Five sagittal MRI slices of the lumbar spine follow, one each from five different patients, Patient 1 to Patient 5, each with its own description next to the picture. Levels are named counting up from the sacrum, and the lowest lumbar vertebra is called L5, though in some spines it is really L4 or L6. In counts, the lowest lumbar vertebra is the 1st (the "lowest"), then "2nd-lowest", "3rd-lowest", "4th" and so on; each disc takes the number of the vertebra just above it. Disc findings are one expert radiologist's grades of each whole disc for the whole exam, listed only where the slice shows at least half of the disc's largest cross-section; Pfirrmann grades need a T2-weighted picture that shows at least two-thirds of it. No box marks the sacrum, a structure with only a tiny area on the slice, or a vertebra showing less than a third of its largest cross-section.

Patient 1 of 5:
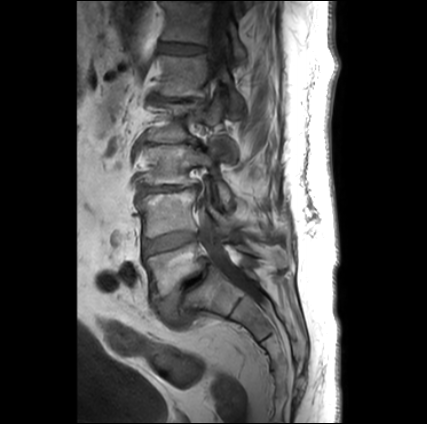 Slice 18/30 | Image 427x424 | MRI lumbar spine (T1-weighted), sagittal plane

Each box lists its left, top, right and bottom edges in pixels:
L3 = left=143, top=144, right=230, bottom=206 | IVD L1/L2 = left=153, top=95, right=204, bottom=101 | T12 vertebra = left=160, top=1, right=245, bottom=61 | L1 vertebra = left=155, top=54, right=243, bottom=112 | L4 vertebra = left=136, top=189, right=270, bottom=238 | L3/L4 = left=140, top=185, right=201, bottom=193 | thecal sac / spinal canal = left=199, top=0, right=266, bottom=305 | L4/L5 = left=143, top=232, right=197, bottom=254 | T12/L1 = left=160, top=43, right=207, bottom=52 | L5 vertebra = left=144, top=243, right=289, bottom=298 | L5/S1 = left=156, top=258, right=209, bottom=317 | L2 vertebra = left=147, top=98, right=236, bottom=153

Per-level radiological findings:
- L1/L2: lower-endplate change, disc herniation, upper-endplate change, disc bulging, disc narrowing, Modic type II
- L5/S1: spondylolisthesis, lower-endplate change, Modic type II, disc narrowing, upper-endplate change, disc bulging
- L4/L5: Modic type II
- L3/L4: lower-endplate change, upper-endplate change, Modic type II, disc narrowing, disc bulging
- T12/L1: no Modic or endplate change, herniation, narrowing, bulging or spondylolisthesis recorded

Patient 2 of 5:
Sagittal T2 SPACE (3D) lumbar spine MRI; Slice 101 of 144 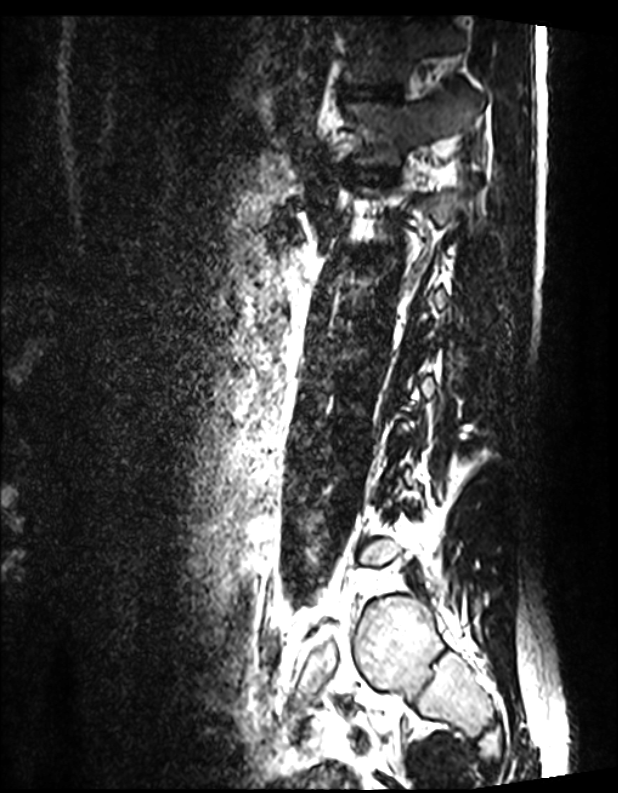
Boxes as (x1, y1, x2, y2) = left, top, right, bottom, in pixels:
{"intervertebral disc T12/L1": "(339, 167, 395, 181)", "T12": "(346, 91, 476, 164)", "T11": "(340, 17, 470, 84)", "intervertebral disc T11/T12": "(340, 86, 401, 100)"}

Radiological gradings:
• T11/T12: Pfirrmann grade 1

Patient 3 of 5:
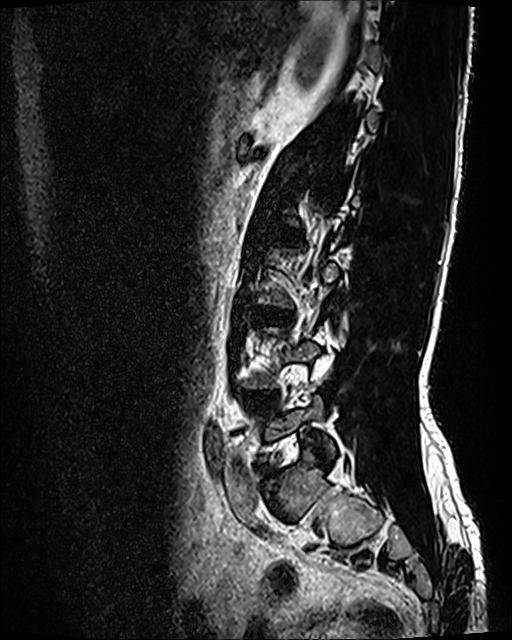 Patient sex: M. Sagittal T2 SPACE (3D) lumbar spine MRI.

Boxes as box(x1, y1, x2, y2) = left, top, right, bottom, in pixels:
* 3rd-lowest disc — box(257, 309, 288, 323)
* 2nd-lowest disc — box(251, 394, 271, 402)

Patient 4 of 5:
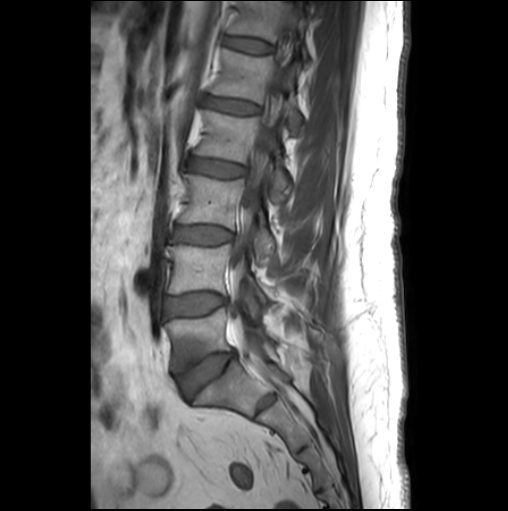 Slice 11 of 26, 508x511 px, T1-weighted sagittal MRI of the lumbar spine
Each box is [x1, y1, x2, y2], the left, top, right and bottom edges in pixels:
6th disc: [226, 36, 271, 52]
spinal canal: [228, 60, 286, 377]
6th vertebra: [229, 1, 308, 57]
5th vertebra: [211, 49, 304, 133]
3rd-lowest disc: [174, 225, 232, 243]
4th vertebra: [195, 110, 292, 203]
3rd-lowest vertebra: [179, 173, 276, 260]
4th disc: [188, 157, 245, 176]
2nd-lowest vertebra: [169, 244, 267, 303]
lowest vertebra: [167, 308, 272, 371]
5th disc: [204, 96, 258, 112]
2nd-lowest disc: [167, 293, 226, 316]
lowest disc: [179, 351, 235, 397]

Expert MSK radiologist gradings (per disc):
- lowest disc: disc bulging, Modic type II
- 2nd-lowest disc: Modic type II
- 3rd-lowest disc, 4th disc, 6th disc, 5th disc: no spondylolisthesis, narrowing, bulging, herniation, Modic or endplate change recorded

Patient 5 of 5:
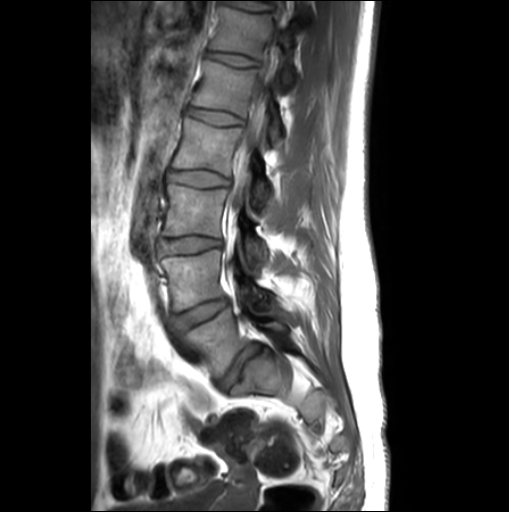 MRI lumbar spine (T1-weighted), sagittal plane. 509x512 px. Sex F.
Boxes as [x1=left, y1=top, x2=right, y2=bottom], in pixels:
Thecal sac / spinal canal: [x1=230, y1=70, x2=272, y2=211].
Intervertebral disc L1/L2: [x1=189, y1=108, x2=242, y2=125].
Intervertebral disc L5/S1: [x1=217, y1=344, x2=263, y2=390].
L3: [x1=164, y1=184, x2=266, y2=264].
L2: [x1=173, y1=119, x2=270, y2=207].
L1 vertebra: [x1=193, y1=61, x2=280, y2=143].
L5 vertebra: [x1=186, y1=309, x2=288, y2=376].
T12 vertebra: [x1=210, y1=6, x2=294, y2=87].
L2/L3: [x1=166, y1=170, x2=229, y2=186].
L4/L5: [x1=175, y1=298, x2=228, y2=328].
L3/L4: [x1=157, y1=236, x2=222, y2=259].
Intervertebral disc T12/L1: [x1=207, y1=51, x2=258, y2=66].
L4 vertebra: [x1=161, y1=250, x2=268, y2=310].

Per-level radiological findings:
• L4/L5: disc bulging
• L3/L4: disc bulging
• L5/S1: upper-endplate change, lower-endplate change, disc bulging
• L2/L3, T12/L1, L1/L2: no spondylolisthesis, narrowing, bulging, herniation, Modic or endplate change recorded